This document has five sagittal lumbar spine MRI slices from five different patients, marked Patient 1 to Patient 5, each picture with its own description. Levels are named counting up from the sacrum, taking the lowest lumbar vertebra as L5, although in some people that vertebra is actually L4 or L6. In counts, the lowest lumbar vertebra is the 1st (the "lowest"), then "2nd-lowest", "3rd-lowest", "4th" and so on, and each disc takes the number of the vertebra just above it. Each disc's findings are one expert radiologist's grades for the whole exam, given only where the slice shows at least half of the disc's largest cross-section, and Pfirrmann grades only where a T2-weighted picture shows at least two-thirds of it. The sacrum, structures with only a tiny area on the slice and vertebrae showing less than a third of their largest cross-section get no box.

Patient 1 of 5:
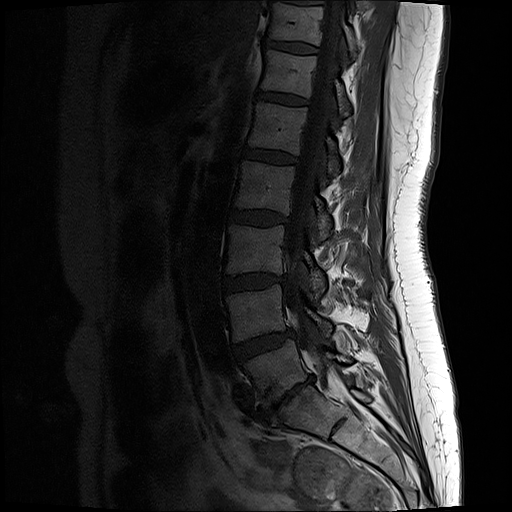
Sagittal T1-weighted lumbar spine MRI | Slice 7 of 17

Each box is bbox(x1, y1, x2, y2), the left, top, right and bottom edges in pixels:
T11/T12: bbox(266, 41, 317, 52).
L4 vertebra: bbox(227, 284, 331, 339).
L2: bbox(235, 162, 330, 238).
L1/L2: bbox(244, 148, 298, 163).
L2/L3: bbox(230, 209, 288, 225).
L5: bbox(245, 340, 350, 405).
L4/L5: bbox(234, 329, 292, 360).
Spinal canal: bbox(283, 1, 342, 377).
L1 vertebra: bbox(248, 102, 340, 174).
L3: bbox(227, 225, 325, 293).
Intervertebral disc L5/S1: bbox(259, 376, 314, 420).
L3/L4: bbox(223, 273, 284, 292).
T12/L1: bbox(259, 92, 308, 105).
T11 vertebra: bbox(269, 3, 356, 56).
T12: bbox(262, 50, 350, 114).

Per-level radiological findings:
  L5/S1: lower-endplate change, upper-endplate change, disc bulging, disc narrowing, Modic type III, disc herniation
  L4/L5: disc bulging
  L3/L4: disc bulging
  L1/L2, L2/L3, T12/L1, T11/T12: no Modic or endplate change, herniation, narrowing, bulging or spondylolisthesis recorded

Patient 2 of 5:
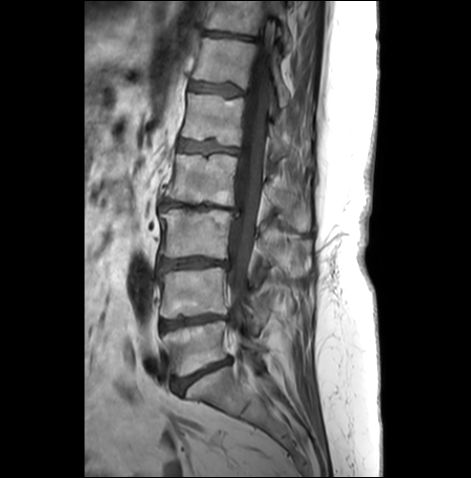

Sagittal slice index 15. T1-weighted sagittal MRI of the lumbar spine. 471x478 px.
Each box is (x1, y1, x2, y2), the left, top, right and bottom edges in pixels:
Structures:
* lowest disc at (173, 358, 231, 392)
* 4th disc at (161, 198, 238, 214)
* 6th disc at (191, 82, 243, 95)
* 6th vertebra at (193, 37, 290, 106)
* 3rd-lowest vertebra at (161, 208, 310, 275)
* 3rd-lowest disc at (159, 257, 228, 270)
* 4th vertebra at (166, 154, 311, 231)
* thecal sac / spinal canal at (227, 28, 272, 341)
* 5th disc at (179, 140, 238, 152)
* 2nd-lowest disc at (159, 314, 223, 330)
* 2nd-lowest vertebra at (160, 265, 270, 330)
* lowest vertebra at (164, 319, 266, 375)
* 7th disc at (205, 30, 257, 40)
* 7th vertebra at (206, 1, 292, 49)
* 5th vertebra at (182, 92, 312, 164)

Radiological gradings:
• 6th disc: lower-endplate change, upper-endplate change, disc bulging
• 4th disc: upper-endplate change, lower-endplate change, disc bulging, Modic type II, disc narrowing
• 5th disc: upper-endplate change, Modic type II, lower-endplate change, disc bulging
• 3rd-lowest disc: disc bulging, Modic type II, disc narrowing
• 2nd-lowest disc: disc narrowing, lower-endplate change, upper-endplate change, Modic type II, disc bulging
• lowest disc: disc bulging, disc narrowing, Modic type II
• 7th disc: lower-endplate change, upper-endplate change, disc bulging

Patient 3 of 5:
Slice 25/35. Field of view 286x285 mm. Sagittal T2-weighted lumbar spine MRI.

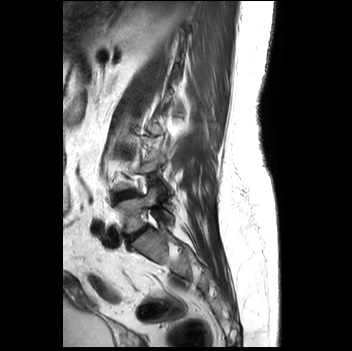
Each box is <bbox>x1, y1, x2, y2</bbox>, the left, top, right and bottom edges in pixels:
intervertebral disc L5/S1 at <bbox>125, 226, 149, 244</bbox> | intervertebral disc L4/L5 at <bbox>113, 189, 137, 202</bbox> | L5 at <bbox>115, 186, 173, 234</bbox>

Patient 4 of 5:
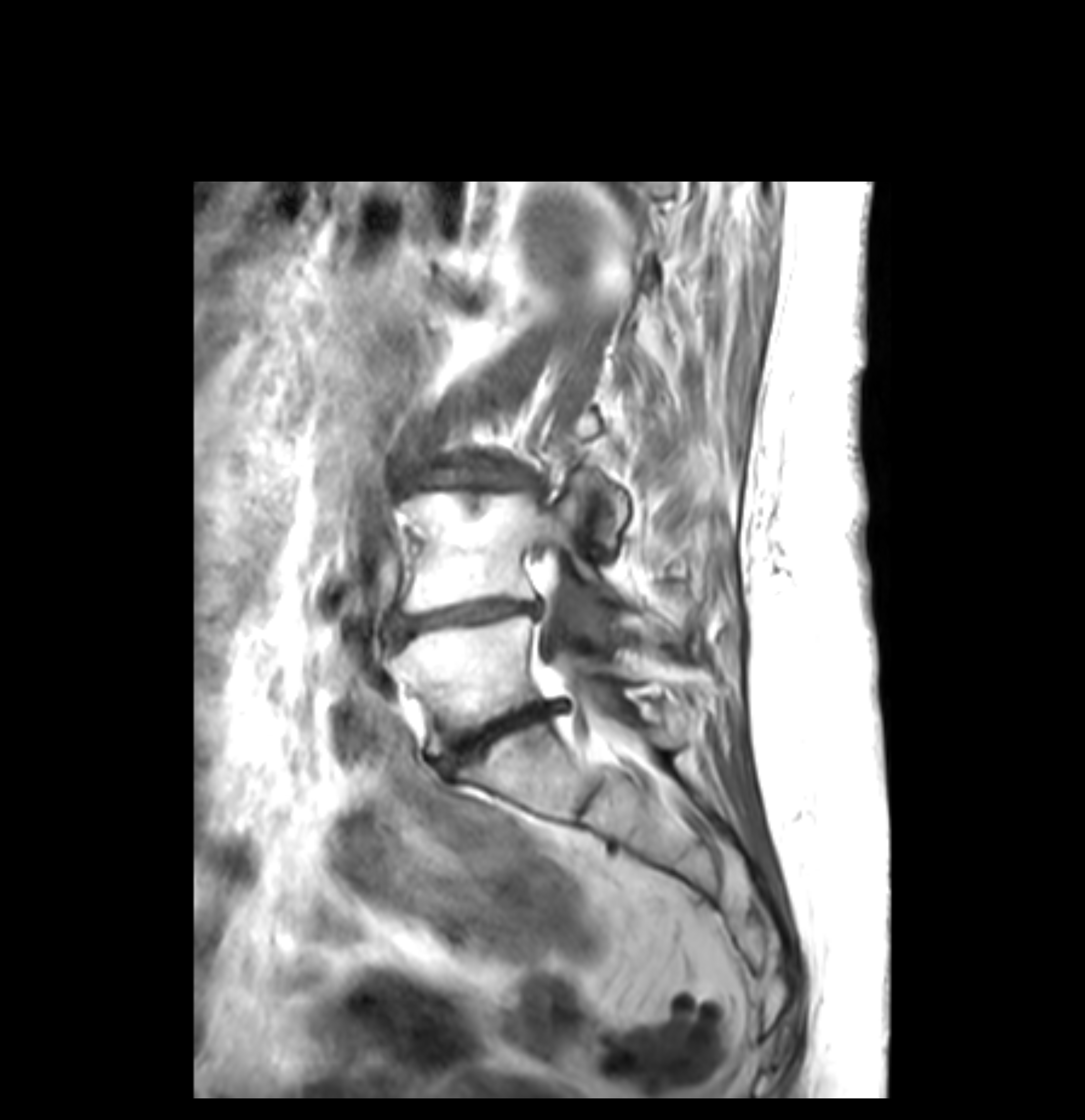
MRI lumbar spine (T1-weighted), sagittal plane
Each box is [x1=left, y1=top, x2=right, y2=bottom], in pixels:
Thecal sac / spinal canal: [x1=540, y1=616, x2=596, y2=699].
L5 vertebra: [x1=390, y1=613, x2=627, y2=756].
L4 vertebra: [x1=402, y1=481, x2=615, y2=613].
Intervertebral disc L4/L5: [x1=395, y1=600, x2=540, y2=639].
Intervertebral disc L5/S1: [x1=441, y1=700, x2=571, y2=769].

Degenerative findings by level:
- L5/S1: disc herniation, disc narrowing, disc bulging, lower-endplate change, upper-endplate change, Modic type II
- L4/L5: disc bulging, lower-endplate change, Modic type II, disc narrowing, upper-endplate change

Patient 5 of 5:
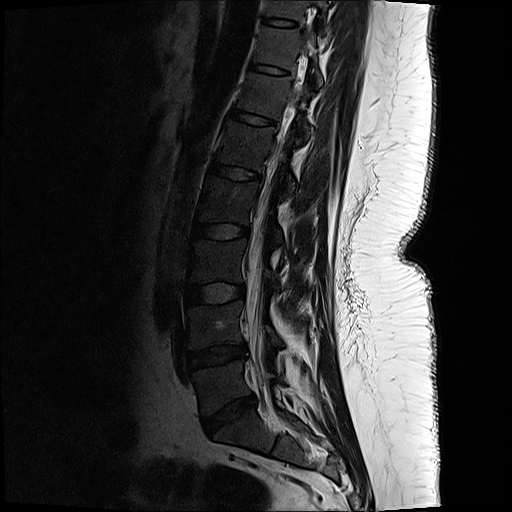 Lumbar spine MR, T2-weighted, sagittal
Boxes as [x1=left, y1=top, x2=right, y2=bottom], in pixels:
L4 — [x1=187, y1=302, x2=281, y2=348].
L2 — [x1=198, y1=176, x2=282, y2=241].
T12 — [x1=237, y1=72, x2=314, y2=137].
Thecal sac / spinal canal — [x1=244, y1=84, x2=301, y2=378].
L3 vertebra — [x1=189, y1=241, x2=280, y2=289].
T12/L1 — [x1=230, y1=106, x2=278, y2=127].
L5 — [x1=191, y1=362, x2=282, y2=415].
Intervertebral disc L5/S1 — [x1=200, y1=396, x2=254, y2=432].
L1/L2 — [x1=208, y1=160, x2=262, y2=182].
Intervertebral disc L4/L5 — [x1=184, y1=345, x2=244, y2=369].
Intervertebral disc L2/L3 — [x1=192, y1=222, x2=249, y2=241].
L1 vertebra — [x1=218, y1=119, x2=297, y2=192].
Intervertebral disc L3/L4 — [x1=184, y1=282, x2=244, y2=305].
T11 vertebra — [x1=255, y1=27, x2=323, y2=85].
T10/T11 — [x1=263, y1=18, x2=298, y2=29].
T10 — [x1=264, y1=0, x2=330, y2=24].
Intervertebral disc T11/T12 — [x1=249, y1=62, x2=291, y2=76].

Degenerative findings by level:
- L3/L4: Pfirrmann grade 1
- L2/L3: Pfirrmann grade 1
- L5/S1: Pfirrmann grade 4, disc bulging, disc narrowing
- L1/L2: Pfirrmann grade 1
- L4/L5: Pfirrmann grade 3, disc bulging, disc narrowing
- T11/T12: Pfirrmann grade 1
- T10/T11: Pfirrmann grade 1
- T12/L1: Pfirrmann grade 1